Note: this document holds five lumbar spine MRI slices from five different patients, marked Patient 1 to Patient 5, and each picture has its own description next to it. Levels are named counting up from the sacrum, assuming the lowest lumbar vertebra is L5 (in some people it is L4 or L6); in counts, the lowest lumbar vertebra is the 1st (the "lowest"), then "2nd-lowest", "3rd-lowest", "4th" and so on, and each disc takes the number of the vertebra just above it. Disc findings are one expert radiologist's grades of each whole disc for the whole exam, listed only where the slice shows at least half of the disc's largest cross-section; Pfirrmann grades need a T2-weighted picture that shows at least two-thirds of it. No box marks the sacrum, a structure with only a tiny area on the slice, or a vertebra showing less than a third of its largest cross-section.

Patient 1 of 5:
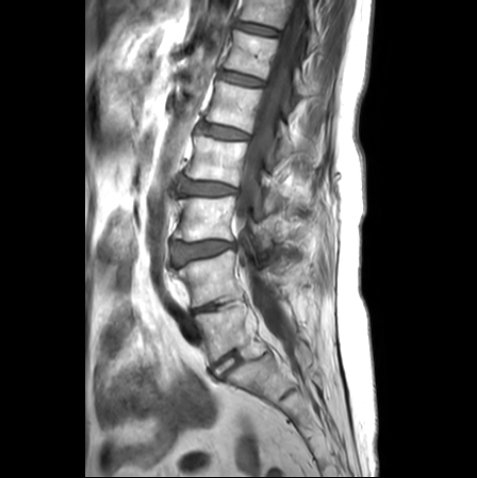

Sagittal T1-weighted lumbar spine MRI
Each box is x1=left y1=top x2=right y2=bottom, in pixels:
L5/S1: x1=211 y1=349 x2=244 y2=377
L1: x1=205 y1=81 x2=324 y2=164
T12 vertebra: x1=225 y1=30 x2=311 y2=97
T11: x1=241 y1=0 x2=318 y2=49
L1/L2: x1=199 y1=123 x2=247 y2=138
L5 vertebra: x1=193 y1=301 x2=266 y2=361
intervertebral disc L4/L5: x1=195 y1=302 x2=220 y2=311
L3/L4: x1=174 y1=241 x2=234 y2=263
thecal sac / spinal canal: x1=235 y1=6 x2=301 y2=355
L3 vertebra: x1=175 y1=196 x2=281 y2=249
T12/L1: x1=220 y1=71 x2=264 y2=85
L4: x1=172 y1=250 x2=278 y2=306
T11/T12: x1=239 y1=22 x2=279 y2=35
intervertebral disc L2/L3: x1=180 y1=180 x2=236 y2=195
L2: x1=185 y1=135 x2=285 y2=209

Radiological gradings:
  L3/L4: disc bulging, lower-endplate change, Modic type II, upper-endplate change
  L2/L3: lower-endplate change, upper-endplate change, disc bulging
  L4/L5: disc narrowing
  L1/L2: upper-endplate change, lower-endplate change
  T12/L1, L5/S1, T11/T12: no spondylolisthesis, narrowing, bulging, herniation, Modic or endplate change recorded

Patient 2 of 5:
Lumbar spine MR, T1-weighted, sagittal; SIEMENS Aera (1.5T); Field of view 340x340 mm

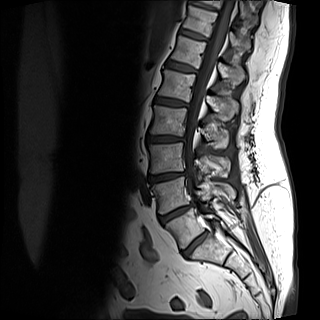

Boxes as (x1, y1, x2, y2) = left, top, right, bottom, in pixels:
{"L1 (5th vertebra)": "(158, 69, 238, 120)", "L3/L4 (3rd-lowest disc)": "(148, 172, 186, 183)", "T11 (7th vertebra)": "(183, 5, 250, 51)", "L2/L3 (4th disc)": "(147, 136, 185, 142)", "intervertebral disc T11/T12 (7th disc)": "(179, 29, 207, 40)", "L4 (2nd-lowest vertebra)": "(152, 177, 235, 214)", "L5 (lowest vertebra)": "(165, 208, 220, 248)", "T10 (8th vertebra)": "(191, 0, 257, 23)", "L5/S1 (lowest disc)": "(181, 231, 207, 257)", "L4/L5 (2nd-lowest disc)": "(159, 204, 192, 224)", "thecal sac / spinal canal": "(184, 0, 234, 193)", "T10/T11 (8th disc)": "(196, 4, 218, 11)", "T12/L1 (6th disc)": "(166, 61, 195, 72)", "T12 (6th vertebra)": "(171, 35, 244, 84)", "L1/L2 (5th disc)": "(155, 97, 189, 106)", "L3 (3rd-lowest vertebra)": "(148, 142, 230, 176)", "L2 (4th vertebra)": "(147, 105, 228, 147)"}

Per-level radiological findings:
  L5/S1 (lowest disc): lower-endplate change
  L2/L3 (4th disc): disc bulging, disc narrowing
  L3/L4 (3rd-lowest disc): disc bulging, disc narrowing
  L4/L5 (2nd-lowest disc): disc bulging, disc narrowing
  L1/L2 (5th disc), T12/L1 (6th disc), T11/T12 (7th disc), T10/T11 (8th disc): no herniation, bulging, narrowing, spondylolisthesis, endplate or Modic change recorded

Patient 3 of 5:
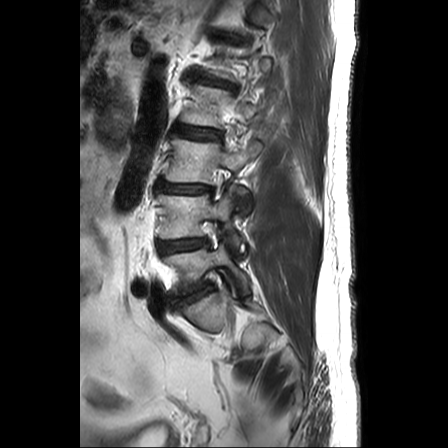
Field of view 280x280 mm, slice spacing 3.3 mm. Sagittal T2-weighted lumbar spine MRI. Patient sex: M.
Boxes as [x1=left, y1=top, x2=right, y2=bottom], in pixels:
L4 — [x1=157, y1=187, x2=243, y2=253] | L2 vertebra — [x1=181, y1=85, x2=266, y2=128] | disc L2/L3 — [x1=172, y1=126, x2=221, y2=139] | disc L3/L4 — [x1=156, y1=181, x2=211, y2=193] | L3 vertebra — [x1=164, y1=138, x2=261, y2=213] | L1/L2 — [x1=190, y1=74, x2=233, y2=89] | L5/S1 — [x1=170, y1=281, x2=212, y2=310] | L4/L5 — [x1=157, y1=238, x2=207, y2=254] | L5 vertebra — [x1=163, y1=243, x2=249, y2=294]

Radiological gradings:
• L3/L4: Pfirrmann grade 5, disc narrowing, disc herniation
• L4/L5: Pfirrmann grade 2, disc bulging
• L1/L2: disc bulging, disc narrowing
• L5/S1: Pfirrmann grade 5, disc narrowing, disc bulging
• L2/L3: Pfirrmann grade 2

Patient 4 of 5:
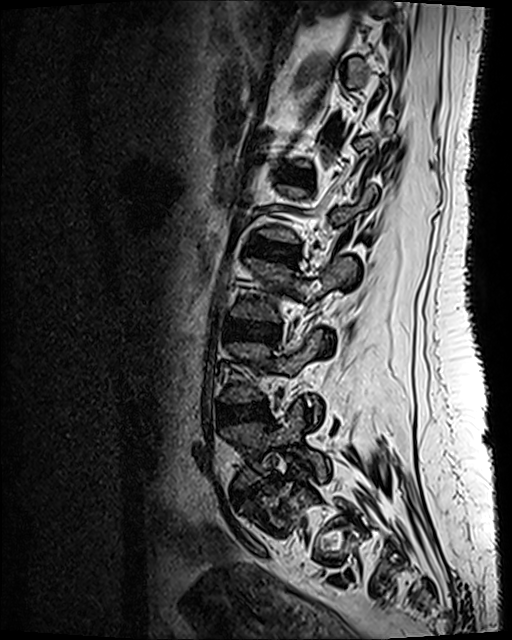 Lumbar spine MR, T2 SPACE (3D), sagittal, Slice 83 of 120

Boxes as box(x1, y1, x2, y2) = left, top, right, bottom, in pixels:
Lowest disc at box(238, 478, 273, 497).
Lowest vertebra at box(223, 403, 329, 486).
3rd-lowest disc at box(224, 319, 279, 343).
4th disc at box(245, 237, 297, 265).
5th disc at box(281, 169, 309, 184).
2nd-lowest disc at box(219, 404, 268, 424).
3rd-lowest vertebra at box(232, 257, 354, 320).
2nd-lowest vertebra at box(223, 331, 321, 419).

Degenerative findings by level:
- 4th disc: disc bulging
- 3rd-lowest disc: no herniation, bulging, narrowing, spondylolisthesis, endplate or Modic change recorded

Patient 5 of 5:
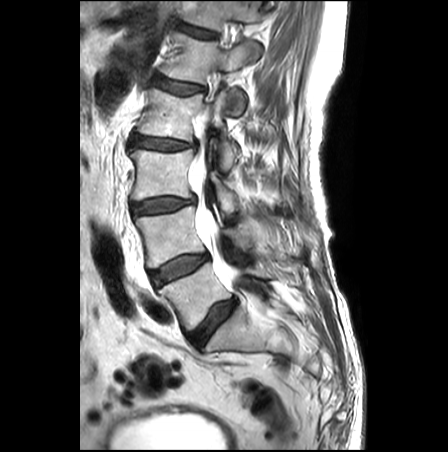 448x452 px; Sagittal T2-weighted lumbar spine MRI

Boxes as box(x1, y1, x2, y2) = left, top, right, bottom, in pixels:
{"L5": "box(159, 262, 272, 330)", "IVD L4/L5": "box(150, 253, 208, 286)", "L1": "box(161, 32, 259, 114)", "L3 vertebra": "box(130, 149, 238, 213)", "L2/L3": "box(129, 132, 195, 150)", "L1/L2": "box(152, 78, 204, 95)", "L3/L4": "box(131, 197, 194, 214)", "L4": "box(135, 207, 252, 267)", "IVD T12/L1": "box(179, 24, 216, 38)", "IVD L5/S1": "box(188, 298, 236, 347)", "T12 vertebra": "box(184, 1, 260, 30)", "spinal canal": "box(191, 111, 239, 284)", "L2": "box(137, 89, 239, 169)"}

Radiological gradings:
- L2/L3: Pfirrmann grade 3, disc bulging
- L4/L5: Pfirrmann grade 3, disc bulging
- L3/L4: Pfirrmann grade 3, disc narrowing, disc bulging
- L5/S1: Pfirrmann grade 3, disc bulging
- L1/L2: disc bulging, Modic type II, upper-endplate change, lower-endplate change
- T12/L1: no Modic or endplate change, herniation, narrowing, bulging or spondylolisthesis recorded